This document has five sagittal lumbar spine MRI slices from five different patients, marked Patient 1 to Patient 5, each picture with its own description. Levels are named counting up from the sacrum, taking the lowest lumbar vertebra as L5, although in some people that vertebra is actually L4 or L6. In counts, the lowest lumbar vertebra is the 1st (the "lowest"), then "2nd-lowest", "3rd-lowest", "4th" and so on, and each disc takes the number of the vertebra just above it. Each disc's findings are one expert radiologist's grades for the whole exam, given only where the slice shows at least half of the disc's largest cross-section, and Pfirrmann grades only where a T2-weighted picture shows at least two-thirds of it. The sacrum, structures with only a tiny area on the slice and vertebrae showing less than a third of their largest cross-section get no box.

Patient 1 of 5:
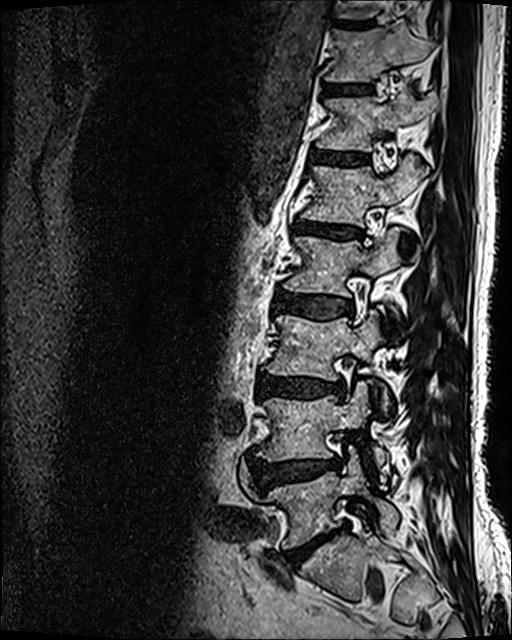
Lumbar spine MR, T2 SPACE (3D), sagittal. Sagittal slice index 42.
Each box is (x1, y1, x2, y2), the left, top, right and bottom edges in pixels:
Segmented structures:
- 6th disc: (313, 151, 366, 166)
- 2nd-lowest disc: (251, 458, 339, 488)
- 4th disc: (274, 291, 352, 317)
- 7th vertebra: (326, 26, 434, 82)
- 4th vertebra: (284, 230, 404, 315)
- lowest vertebra: (258, 446, 398, 547)
- 8th disc: (339, 21, 374, 29)
- lowest disc: (286, 528, 341, 564)
- 3rd-lowest vertebra: (264, 309, 388, 411)
- 5th vertebra: (301, 156, 428, 226)
- 6th vertebra: (318, 95, 436, 151)
- 5th disc: (295, 221, 362, 238)
- 2nd-lowest vertebra: (259, 380, 389, 482)
- 7th disc: (327, 86, 367, 94)
- 3rd-lowest disc: (258, 375, 344, 398)

Radiological gradings:
- 5th disc: Pfirrmann grade 4, lower-endplate change, upper-endplate change, Modic type II, disc bulging, disc narrowing
- 3rd-lowest disc: Pfirrmann grade 4, lower-endplate change, disc bulging, Modic type II, disc narrowing
- 4th disc: Pfirrmann grade 3, disc bulging
- 2nd-lowest disc: Pfirrmann grade 4, disc herniation, disc bulging
- 6th disc: no herniation, bulging, narrowing, spondylolisthesis, endplate or Modic change recorded

Patient 2 of 5:
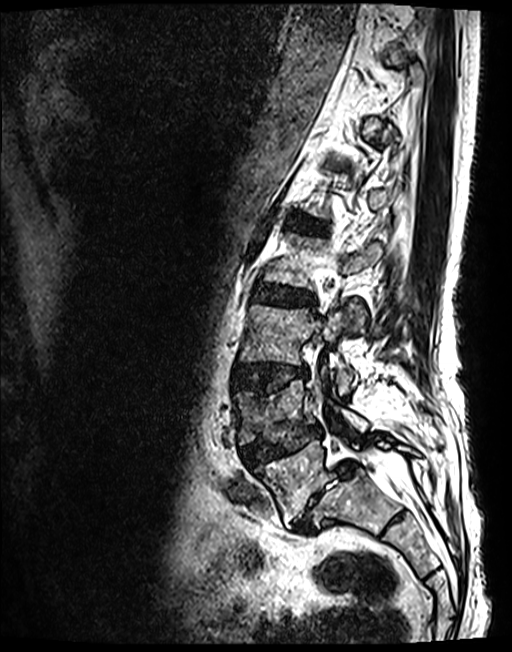

512x652 px; Sagittal T2 SPACE (3D) lumbar spine MRI; Slice spacing 0.9 mm; Slice 88/143; Sex M

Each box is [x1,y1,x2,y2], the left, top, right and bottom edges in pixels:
IVD L5/S1: [291,461,355,533]
IVD L2/L3: [254,285,314,306]
L1/L2: [293,218,316,231]
L4/L5: [242,426,322,465]
L3/L4: [234,364,307,393]
L3 vertebra: [240,305,363,394]
L4: [234,371,368,444]
L5 vertebra: [254,439,418,522]

Degenerative findings by level:
  L5/S1: Pfirrmann grade 5, disc herniation, Modic type II, disc narrowing, spondylolisthesis
  L3/L4: Pfirrmann grade 3, lower-endplate change, upper-endplate change, disc bulging
  L4/L5: Pfirrmann grade 3, lower-endplate change, spondylolisthesis, disc herniation, disc narrowing, upper-endplate change
  L2/L3: Pfirrmann grade 3, disc bulging

Patient 3 of 5:
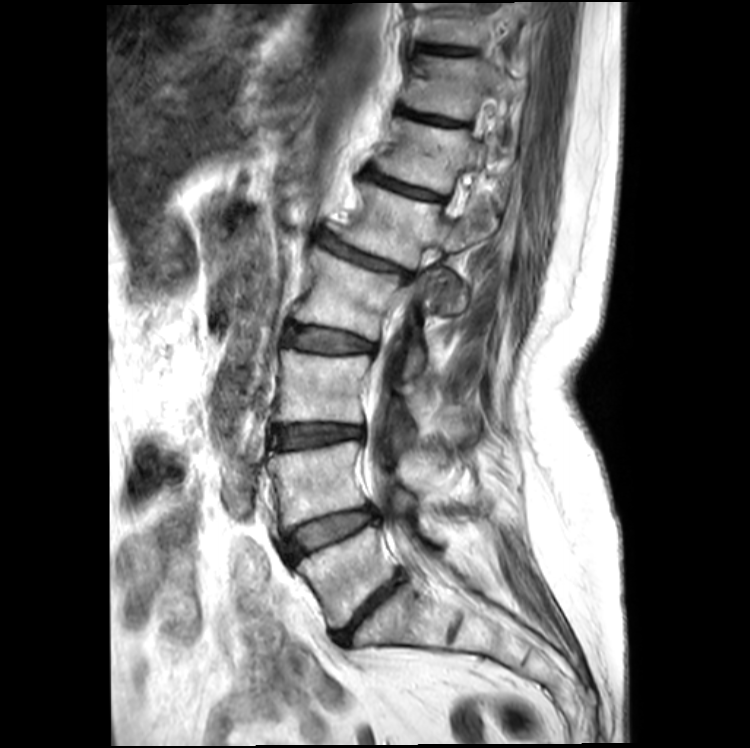
Sagittal T2-weighted lumbar spine MRI. Sagittal slice index 8. Patient sex: F. Slice spacing 4.4 mm. 750x748 px.

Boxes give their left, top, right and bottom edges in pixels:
Disc T10/T11 (8th disc) at left=419, top=42, right=471, bottom=54; L3 (3rd-lowest vertebra) at left=275, top=349, right=416, bottom=441; L4 (2nd-lowest vertebra) at left=269, top=440, right=430, bottom=526; disc L2/L3 (4th disc) at left=286, top=322, right=380, bottom=352; disc T11/T12 (7th disc) at left=406, top=112, right=461, bottom=125; T10 (8th vertebra) at left=427, top=3, right=525, bottom=57; L5 (lowest vertebra) at left=298, top=526, right=448, bottom=627; L5/S1 (lowest disc) at left=333, top=574, right=405, bottom=644; L2 (4th vertebra) at left=295, top=248, right=449, bottom=377; T12/L1 (6th disc) at left=364, top=167, right=440, bottom=199; T11 (7th vertebra) at left=408, top=55, right=515, bottom=119; L1/L2 (5th disc) at left=322, top=234, right=413, bottom=277; L3/L4 (3rd-lowest disc) at left=272, top=424, right=364, bottom=449; L1 (5th vertebra) at left=332, top=184, right=497, bottom=368; spinal canal at left=368, top=350, right=423, bottom=561; T12 (6th vertebra) at left=380, top=120, right=486, bottom=193; disc L4/L5 (2nd-lowest disc) at left=289, top=506, right=379, bottom=558.

Degenerative findings by level:
• L3/L4 (3rd-lowest disc): Pfirrmann grade 3, Modic type II, disc narrowing, disc bulging
• L2/L3 (4th disc): Pfirrmann grade 3, disc bulging, Modic type II
• T10/T11 (8th disc): lower-endplate change
• T11/T12 (7th disc): upper-endplate change, disc narrowing, lower-endplate change, Modic type II
• L4/L5 (2nd-lowest disc): Pfirrmann grade 3, disc bulging, Modic type II
• T12/L1 (6th disc): Pfirrmann grade 4, Modic type II, disc narrowing, upper-endplate change, lower-endplate change
• L1/L2 (5th disc): Pfirrmann grade 4, Modic type II, disc bulging, lower-endplate change, spondylolisthesis, disc narrowing, upper-endplate change
• L5/S1 (lowest disc): Pfirrmann grade 5, lower-endplate change, upper-endplate change, disc bulging, disc narrowing

Patient 4 of 5:
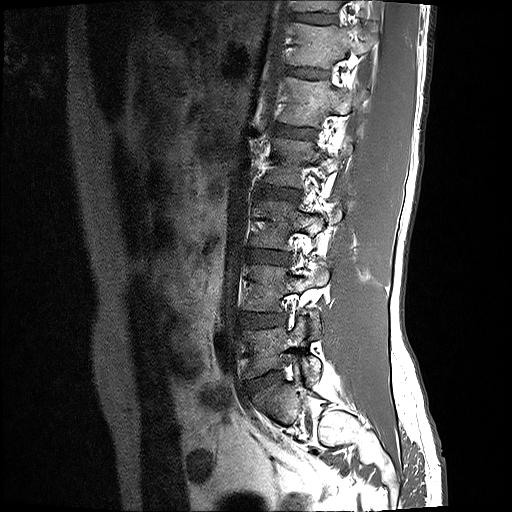

Lumbar spine MR, T1-weighted, sagittal.
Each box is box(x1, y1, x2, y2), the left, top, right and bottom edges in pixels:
2nd-lowest disc at box(236, 313, 284, 328); 6th vertebra at box(289, 22, 370, 68); 2nd-lowest vertebra at box(243, 265, 328, 338); 4th vertebra at box(265, 138, 340, 186); 6th disc at box(287, 68, 327, 78); 5th disc at box(274, 124, 315, 138); 3rd-lowest disc at box(248, 249, 290, 263); 7th disc at box(294, 13, 335, 23); 4th disc at box(260, 186, 300, 199); lowest vertebra at box(243, 316, 321, 382); lowest disc at box(245, 371, 281, 395); 5th vertebra at box(278, 77, 366, 126); 7th vertebra at box(294, 0, 342, 11).

Expert MSK radiologist gradings (per disc):
- 6th disc, 5th disc, 7th disc: no spondylolisthesis, narrowing, bulging, herniation, Modic or endplate change recorded

Patient 5 of 5:
Scanner: SIEMENS Avanto_fit (1.5T); MRI lumbar spine (T2 SPACE (3D)), sagittal plane; Slice 92 of 120; Image 512x640
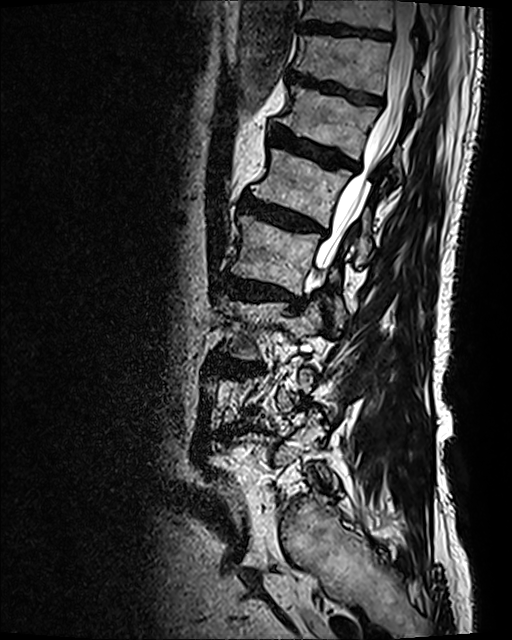 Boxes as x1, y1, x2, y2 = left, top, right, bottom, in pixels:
4th disc = 220, 273, 303, 308.
7th vertebra = 294, 36, 422, 111.
3rd-lowest disc = 223, 359, 261, 370.
6th vertebra = 280, 85, 401, 178.
8th disc = 300, 22, 392, 40.
3rd-lowest vertebra = 222, 302, 321, 357.
7th disc = 288, 69, 382, 104.
8th vertebra = 304, 0, 434, 41.
5th vertebra = 253, 149, 371, 266.
2nd-lowest disc = 234, 424, 252, 429.
6th disc = 270, 125, 359, 169.
5th disc = 239, 197, 324, 233.
4th vertebra = 230, 215, 346, 328.
Thecal sac / spinal canal = 315, 1, 415, 275.

Expert MSK radiologist gradings (per disc):
- 8th disc: Pfirrmann grade 3
- 5th disc: Pfirrmann grade 4, upper-endplate change, Modic type II, lower-endplate change, disc bulging
- 7th disc: Pfirrmann grade 4, disc bulging, upper-endplate change, lower-endplate change
- 4th disc: Pfirrmann grade 4, Modic type I, disc bulging, disc narrowing, upper-endplate change, lower-endplate change
- 6th disc: Pfirrmann grade 4, lower-endplate change, upper-endplate change, disc bulging, Modic type II